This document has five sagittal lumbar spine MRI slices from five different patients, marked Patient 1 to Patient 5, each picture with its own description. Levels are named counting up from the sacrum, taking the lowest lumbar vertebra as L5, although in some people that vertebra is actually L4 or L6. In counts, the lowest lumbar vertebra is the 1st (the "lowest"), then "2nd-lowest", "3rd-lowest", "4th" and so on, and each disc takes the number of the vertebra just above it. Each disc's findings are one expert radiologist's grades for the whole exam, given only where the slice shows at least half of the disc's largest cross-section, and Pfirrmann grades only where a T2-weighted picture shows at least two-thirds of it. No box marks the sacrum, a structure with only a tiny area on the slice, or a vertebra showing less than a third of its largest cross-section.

Patient 1 of 5:
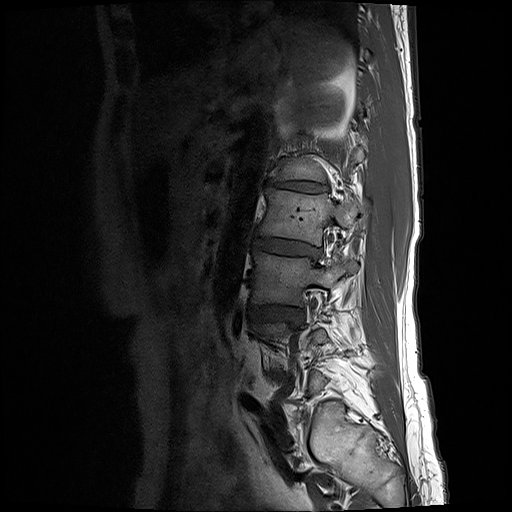
T1-weighted sagittal MRI of the lumbar spine; Slice 6/25; Image 512x512
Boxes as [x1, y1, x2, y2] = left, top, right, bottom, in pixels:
L1 (5th vertebra) at [272, 135, 362, 182], L3 (3rd-lowest vertebra) at [251, 251, 357, 306], L1/L2 (5th disc) at [263, 180, 328, 192], L3/L4 (3rd-lowest disc) at [248, 305, 302, 322], L2 (4th vertebra) at [258, 188, 368, 246], disc L2/L3 (4th disc) at [252, 236, 321, 260].

Per-level radiological findings:
• L1/L2 (5th disc): lower-endplate change, disc narrowing, upper-endplate change, Modic type II, disc bulging
• L3/L4 (3rd-lowest disc): disc bulging
• L2/L3 (4th disc): disc narrowing, disc bulging

Patient 2 of 5:
Patient sex: F, Lumbar spine MR, T1-weighted, sagittal 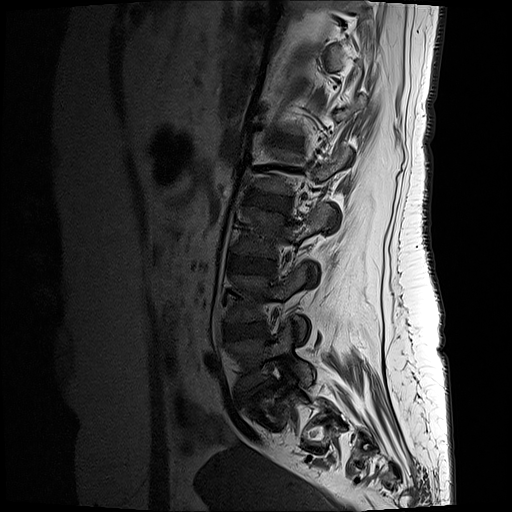
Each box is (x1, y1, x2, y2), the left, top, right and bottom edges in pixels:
• intervertebral disc L4/L5 — (225, 323, 267, 339)
• L4 — (228, 264, 306, 337)
• L3 — (235, 205, 334, 256)
• intervertebral disc L5/S1 — (242, 382, 270, 397)
• intervertebral disc L2/L3 — (246, 190, 290, 212)
• L3/L4 — (229, 255, 275, 274)
• intervertebral disc L1/L2 — (272, 134, 301, 148)
• L5 vertebra — (227, 324, 315, 389)

Per-level radiological findings:
  L2/L3: disc bulging
  L3/L4: no herniation, bulging, narrowing, spondylolisthesis, endplate or Modic change recorded

Patient 3 of 5:
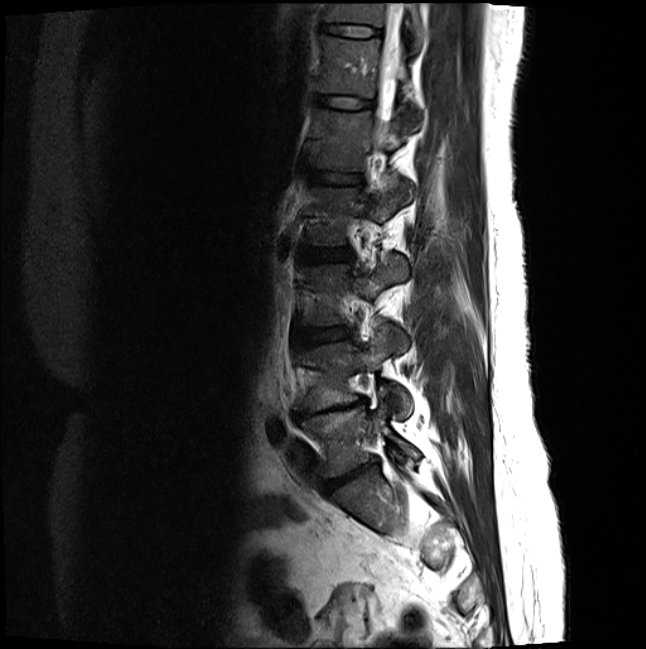
Patient sex: F. Sagittal slice index 15. Image 646x649. MRI lumbar spine (T2-weighted), sagittal plane.
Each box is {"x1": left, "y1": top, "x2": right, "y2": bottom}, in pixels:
T12/L1: {"x1": 315, "y1": 93, "x2": 372, "y2": 108}.
T12 vertebra: {"x1": 317, "y1": 34, "x2": 420, "y2": 119}.
L1: {"x1": 309, "y1": 109, "x2": 403, "y2": 170}.
L4: {"x1": 295, "y1": 325, "x2": 413, "y2": 417}.
Thecal sac / spinal canal: {"x1": 381, "y1": 1, "x2": 403, "y2": 126}.
Disc L4/L5: {"x1": 294, "y1": 397, "x2": 367, "y2": 418}.
Disc L2/L3: {"x1": 299, "y1": 247, "x2": 351, "y2": 260}.
Disc L5/S1: {"x1": 323, "y1": 463, "x2": 372, "y2": 493}.
T11/T12: {"x1": 322, "y1": 22, "x2": 380, "y2": 36}.
L5: {"x1": 301, "y1": 402, "x2": 419, "y2": 476}.
L3 vertebra: {"x1": 301, "y1": 255, "x2": 408, "y2": 325}.
L3/L4: {"x1": 298, "y1": 326, "x2": 351, "y2": 346}.
L1/L2: {"x1": 306, "y1": 168, "x2": 362, "y2": 183}.
L2: {"x1": 305, "y1": 177, "x2": 411, "y2": 245}.
T11 vertebra: {"x1": 324, "y1": 1, "x2": 424, "y2": 46}.

Degenerative findings by level:
  L4/L5: upper-endplate change, lower-endplate change, disc bulging, disc narrowing, Modic type II
  T12/L1: Pfirrmann grade 2
  T11/T12: Pfirrmann grade 2
  L3/L4, L1/L2, L2/L3: no spondylolisthesis, narrowing, bulging, herniation, Modic or endplate change recorded

Patient 4 of 5:
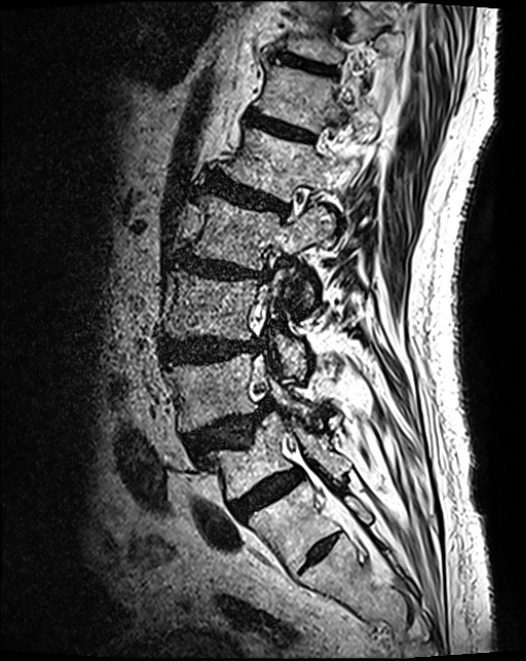 T2 SPACE (3D) sagittal MRI of the lumbar spine.
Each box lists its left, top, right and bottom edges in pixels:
Annotations:
• 4th disc: left=173, top=254, right=270, bottom=282
• 2nd-lowest vertebra: left=166, top=355, right=314, bottom=432
• 6th disc: left=247, top=115, right=311, bottom=141
• 7th disc: left=282, top=56, right=335, bottom=74
• 5th disc: left=207, top=176, right=287, bottom=214
• 2nd-lowest disc: left=185, top=402, right=272, bottom=458
• thecal sac / spinal canal: left=348, top=515, right=358, bottom=530
• 3rd-lowest vertebra: left=162, top=273, right=305, bottom=373
• 6th vertebra: left=259, top=65, right=376, bottom=132
• lowest disc: left=230, top=470, right=302, bottom=519
• 4th vertebra: left=187, top=195, right=334, bottom=313
• 3rd-lowest disc: left=161, top=339, right=259, bottom=363
• 5th vertebra: left=223, top=129, right=358, bottom=201
• lowest vertebra: left=202, top=415, right=344, bottom=500

Degenerative findings by level:
• lowest disc: Pfirrmann grade 4
• 2nd-lowest disc: Pfirrmann grade 4, upper-endplate change, spondylolisthesis, disc herniation
• 3rd-lowest disc: Pfirrmann grade 4, disc bulging
• 5th disc: Pfirrmann grade 4, upper-endplate change, disc bulging, lower-endplate change
• 7th disc: lower-endplate change
• 6th disc: Pfirrmann grade 3
• 4th disc: Pfirrmann grade 4, upper-endplate change, disc narrowing, disc bulging, lower-endplate change

Patient 5 of 5:
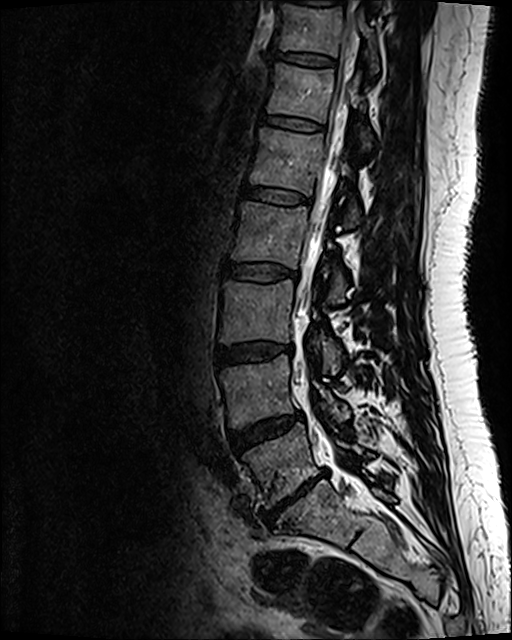 T2 SPACE (3D) sagittal MRI of the lumbar spine | Image 512x640 | Slice 49 of 120

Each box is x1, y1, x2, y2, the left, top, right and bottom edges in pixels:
2nd-lowest vertebra at 222, 355, 348, 426; 6th vertebra at 268, 64, 372, 147; 5th vertebra at 250, 128, 360, 225; 4th disc at 224, 262, 298, 280; lowest vertebra at 243, 425, 370, 505; 6th disc at 263, 116, 321, 131; 7th disc at 272, 50, 334, 65; 2nd-lowest disc at 229, 412, 301, 449; spinal canal at 295, 128, 342, 382; 4th vertebra at 232, 203, 346, 300; 3rd-lowest disc at 217, 342, 292, 365; 7th vertebra at 280, 4, 378, 70; 3rd-lowest vertebra at 220, 281, 342, 371; lowest disc at 263, 471, 326, 525; 5th disc at 244, 186, 311, 204.

Degenerative findings by level:
  4th disc: Pfirrmann grade 2
  lowest disc: disc bulging, upper-endplate change, disc herniation, Modic type III, disc narrowing, lower-endplate change
  3rd-lowest disc: Pfirrmann grade 2, disc bulging
  6th disc: Pfirrmann grade 2
  5th disc: Pfirrmann grade 2
  2nd-lowest disc: Pfirrmann grade 3, disc bulging
  7th disc: Pfirrmann grade 2